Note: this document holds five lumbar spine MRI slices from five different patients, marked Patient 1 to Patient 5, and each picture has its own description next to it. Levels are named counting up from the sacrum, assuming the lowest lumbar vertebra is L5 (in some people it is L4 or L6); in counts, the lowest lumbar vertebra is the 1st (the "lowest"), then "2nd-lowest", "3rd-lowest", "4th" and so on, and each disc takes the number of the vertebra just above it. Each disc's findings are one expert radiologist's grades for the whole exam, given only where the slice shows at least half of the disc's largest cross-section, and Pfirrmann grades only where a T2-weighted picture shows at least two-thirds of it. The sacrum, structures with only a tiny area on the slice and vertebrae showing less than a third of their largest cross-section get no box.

Patient 1 of 5:
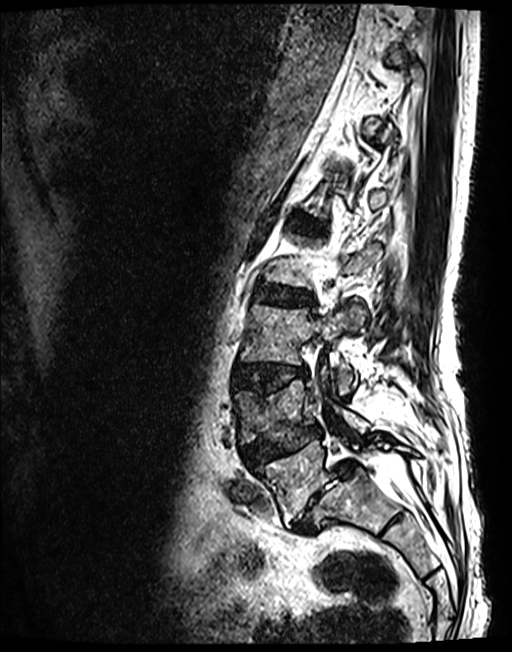
Sagittal T2 SPACE (3D) lumbar spine MRI, Image 512x652, Slice 89/143

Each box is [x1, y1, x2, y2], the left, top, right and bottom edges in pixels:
Lowest disc at [291, 461, 354, 533].
2nd-lowest vertebra at [234, 369, 368, 444].
3rd-lowest vertebra at [241, 305, 364, 394].
4th disc at [255, 286, 313, 305].
3rd-lowest disc at [234, 364, 307, 393].
5th disc at [294, 220, 314, 230].
Lowest vertebra at [255, 437, 416, 522].
2nd-lowest disc at [242, 427, 322, 465].

Radiological gradings:
• 4th disc: Pfirrmann grade 3, disc bulging
• 3rd-lowest disc: Pfirrmann grade 3, upper-endplate change, disc bulging, lower-endplate change
• lowest disc: Pfirrmann grade 5, Modic type II, disc narrowing, disc herniation, spondylolisthesis
• 2nd-lowest disc: Pfirrmann grade 3, upper-endplate change, disc herniation, spondylolisthesis, lower-endplate change, disc narrowing

Patient 2 of 5:
Philips Healthcare Ingenia (3T); T1-weighted sagittal MRI of the lumbar spine; 448x448 px

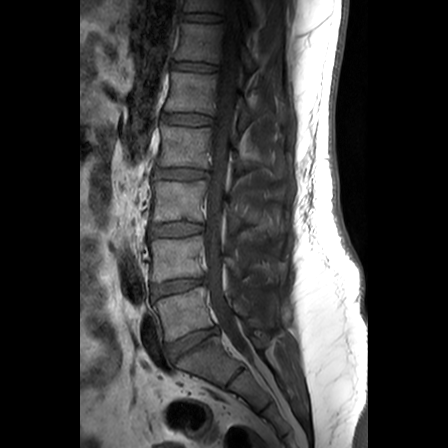
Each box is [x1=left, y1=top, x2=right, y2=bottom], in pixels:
{"L1 vertebra": "[x1=164, y1=71, x2=285, y2=129]", "thecal sac / spinal canal": "[x1=203, y1=0, x2=252, y2=354]", "L2": "[x1=157, y1=125, x2=285, y2=180]", "T12": "[x1=175, y1=22, x2=257, y2=70]", "L4": "[x1=149, y1=235, x2=284, y2=281]", "intervertebral disc L3/L4": "[x1=149, y1=222, x2=203, y2=236]", "T11": "[x1=184, y1=0, x2=256, y2=20]", "intervertebral disc T11/T12": "[x1=181, y1=12, x2=222, y2=21]", "intervertebral disc L2/L3": "[x1=154, y1=168, x2=207, y2=179]", "T12/L1": "[x1=172, y1=62, x2=217, y2=71]", "L5/S1": "[x1=168, y1=327, x2=218, y2=359]", "intervertebral disc L1/L2": "[x1=162, y1=113, x2=211, y2=125]", "intervertebral disc L4/L5": "[x1=151, y1=278, x2=205, y2=296]", "L3": "[x1=152, y1=180, x2=280, y2=235]", "L5": "[x1=153, y1=287, x2=274, y2=341]"}

Expert MSK radiologist gradings (per disc):
- L2/L3: disc bulging
- L5/S1: disc bulging
- L3/L4, T12/L1, T11/T12, L4/L5, L1/L2: no herniation, bulging, narrowing, spondylolisthesis, endplate or Modic change recorded

Patient 3 of 5:
Image 477x478, Field of view 280x281 mm, slice spacing 3.3 mm, Philips Healthcare Ingenia (3T), Lumbar spine MR, T2-weighted, sagittal, Sagittal slice index 16

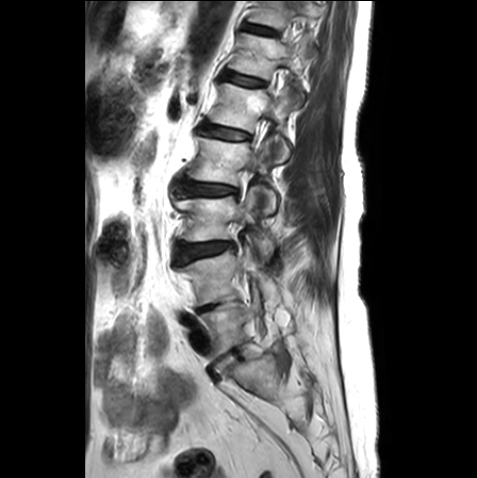

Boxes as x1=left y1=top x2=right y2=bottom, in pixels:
3rd-lowest disc = x1=177 y1=242 x2=233 y2=262.
2nd-lowest vertebra = x1=181 y1=244 x2=276 y2=305.
5th vertebra = x1=210 y1=83 x2=291 y2=161.
7th disc = x1=244 y1=24 x2=277 y2=34.
4th disc = x1=179 y1=176 x2=238 y2=195.
6th disc = x1=225 y1=71 x2=265 y2=86.
3rd-lowest vertebra = x1=175 y1=185 x2=274 y2=260.
4th vertebra = x1=186 y1=137 x2=277 y2=214.
6th vertebra = x1=229 y1=33 x2=310 y2=106.
7th vertebra = x1=248 y1=1 x2=322 y2=29.
5th disc = x1=202 y1=123 x2=249 y2=139.
Lowest vertebra = x1=197 y1=283 x2=265 y2=358.
Lowest disc = x1=209 y1=350 x2=245 y2=378.

Expert MSK radiologist gradings (per disc):
• lowest disc: Pfirrmann grade 1
• 3rd-lowest disc: Pfirrmann grade 3, Modic type II, upper-endplate change, disc bulging, lower-endplate change
• 5th disc: Pfirrmann grade 2, lower-endplate change, upper-endplate change
• 6th disc: Pfirrmann grade 1
• 4th disc: Pfirrmann grade 2, lower-endplate change, disc bulging, upper-endplate change
• 7th disc: no herniation, bulging, narrowing, spondylolisthesis, endplate or Modic change recorded

Patient 4 of 5:
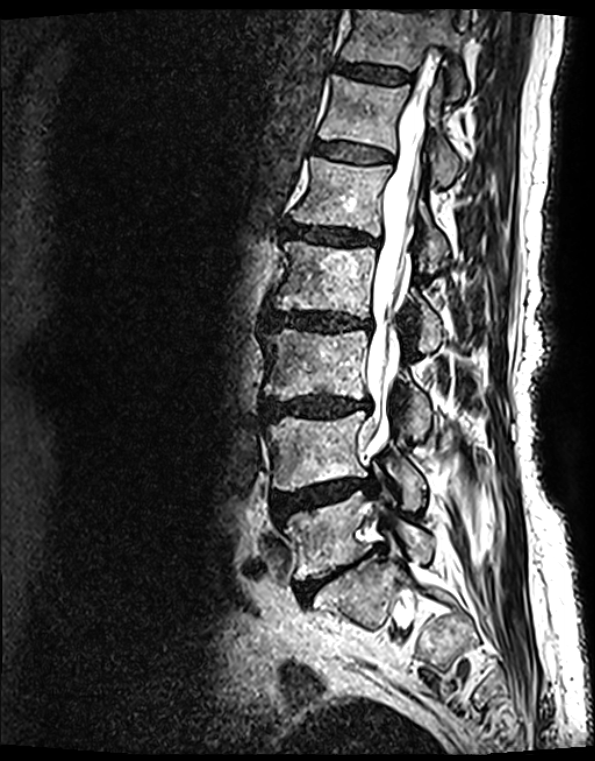 Sagittal T2 SPACE (3D) lumbar spine MRI, Sex F
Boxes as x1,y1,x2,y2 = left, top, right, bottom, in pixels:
L4/L5 (2nd-lowest disc) at 272,479,377,523; L5 (lowest vertebra) at 285,489,434,579; intervertebral disc L5/S1 (lowest disc) at 296,559,359,598; T12 (6th vertebra) at 319,75,459,185; T12/L1 (6th disc) at 315,144,388,163; intervertebral disc T11/T12 (7th disc) at 337,63,409,85; L4 (2nd-lowest vertebra) at 267,411,426,509; thecal sac / spinal canal at 365,50,431,448; L3 (3rd-lowest vertebra) at 264,330,430,436; intervertebral disc L3/L4 (3rd-lowest disc) at 269,394,368,420; L2 (4th vertebra) at 274,242,441,350; L1 (5th vertebra) at 293,158,449,268; intervertebral disc L2/L3 (4th disc) at 267,313,370,330; T11 (7th vertebra) at 342,10,464,100; L1/L2 (5th disc) at 288,226,373,245.

Degenerative findings by level:
  L2/L3 (4th disc): Pfirrmann grade 4, disc bulging, lower-endplate change, upper-endplate change, Modic type II, disc narrowing
  L1/L2 (5th disc): Pfirrmann grade 4, upper-endplate change, disc bulging, Modic type II, disc narrowing, lower-endplate change
  L4/L5 (2nd-lowest disc): Pfirrmann grade 4, lower-endplate change, upper-endplate change, disc bulging, disc herniation, disc narrowing, Modic type II
  T11/T12 (7th disc): Pfirrmann grade 2, Modic type II, lower-endplate change, upper-endplate change
  L3/L4 (3rd-lowest disc): Pfirrmann grade 4, lower-endplate change, Modic type II, upper-endplate change, disc narrowing, disc bulging
  T12/L1 (6th disc): Pfirrmann grade 2, lower-endplate change, Modic type II, upper-endplate change

Patient 5 of 5:
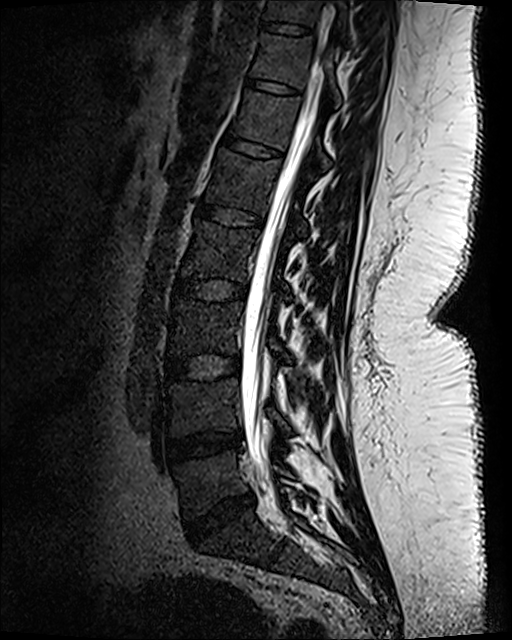

Slice 52 of 120, Sagittal T2 SPACE (3D) lumbar spine MRI
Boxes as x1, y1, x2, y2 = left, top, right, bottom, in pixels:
T11 vertebra = 252, 34, 341, 107.
Spinal canal = 241, 1, 334, 492.
L2 = 182, 220, 291, 299.
Intervertebral disc L3/L4 = 166, 354, 238, 381.
L3 = 170, 301, 290, 360.
L2/L3 = 173, 277, 247, 301.
Intervertebral disc L4/L5 = 166, 432, 240, 462.
Intervertebral disc L5/S1 = 188, 495, 254, 539.
T11/T12 = 245, 78, 299, 95.
L4 = 169, 379, 291, 436.
L1/L2 = 194, 201, 264, 229.
T12 = 231, 89, 330, 167.
L5 = 175, 451, 294, 519.
T10/T11 = 262, 21, 311, 36.
T10 = 264, 0, 348, 33.
T12/L1 = 222, 132, 283, 159.
L1 vertebra = 208, 149, 308, 235.

Expert MSK radiologist gradings (per disc):
• T11/T12: Pfirrmann grade 1
• T12/L1: Pfirrmann grade 1
• L4/L5: Pfirrmann grade 3, disc narrowing, disc bulging
• L2/L3: Pfirrmann grade 1
• L1/L2: Pfirrmann grade 1
• L3/L4: Pfirrmann grade 1
• L5/S1: Pfirrmann grade 4, disc narrowing, disc bulging
• T10/T11: Pfirrmann grade 1